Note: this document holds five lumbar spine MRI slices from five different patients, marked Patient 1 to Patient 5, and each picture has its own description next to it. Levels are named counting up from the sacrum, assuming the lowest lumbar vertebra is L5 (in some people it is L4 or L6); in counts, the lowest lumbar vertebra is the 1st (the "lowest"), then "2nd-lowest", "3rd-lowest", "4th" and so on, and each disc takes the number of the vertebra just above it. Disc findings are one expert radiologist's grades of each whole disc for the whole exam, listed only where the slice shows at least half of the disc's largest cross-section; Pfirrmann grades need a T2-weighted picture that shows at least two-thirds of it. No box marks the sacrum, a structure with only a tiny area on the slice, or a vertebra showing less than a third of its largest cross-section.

Patient 1 of 5:
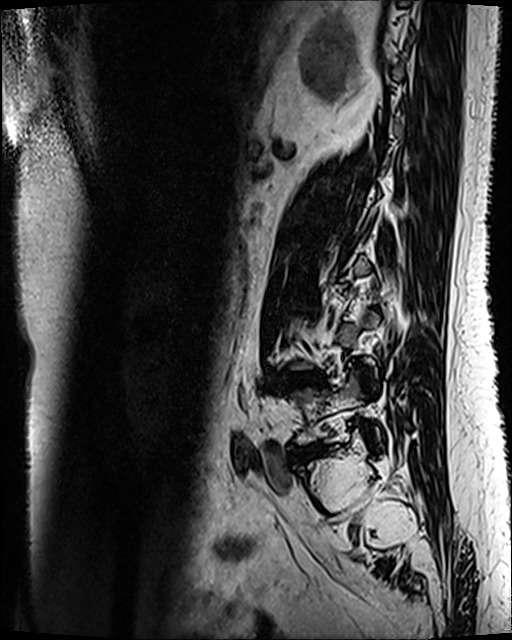 Field of view 240x300 mm, Lumbar spine MR, T2 SPACE (3D), sagittal, 512x640 px, Sagittal slice index 34

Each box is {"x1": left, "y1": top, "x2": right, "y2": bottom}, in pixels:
L5 at {"x1": 296, "y1": 374, "x2": 380, "y2": 443}, L4/L5 at {"x1": 280, "y1": 372, "x2": 321, "y2": 387}, IVD L5/S1 at {"x1": 296, "y1": 444, "x2": 329, "y2": 457}.

Patient 2 of 5:
384x384 px | Lumbar spine MR, T1-weighted, sagittal | Scanner: SIEMENS SymphonyTim (1.5T) | Sagittal slice index 5

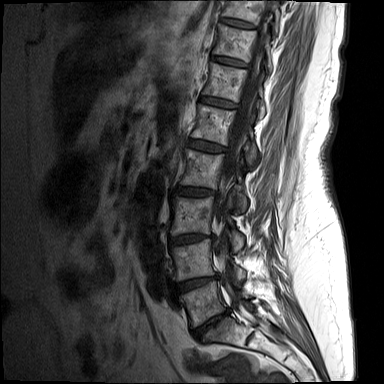

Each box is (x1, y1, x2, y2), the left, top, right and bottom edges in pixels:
Lowest vertebra at (179, 281, 250, 327), 6th disc at (201, 96, 235, 108), 7th vertebra at (213, 24, 272, 71), 4th vertebra at (180, 149, 246, 212), 2nd-lowest vertebra at (171, 235, 246, 281), 3rd-lowest vertebra at (170, 196, 244, 251), 5th vertebra at (192, 104, 256, 162), 8th vertebra at (223, 0, 280, 35), 6th vertebra at (204, 63, 265, 118), 4th disc at (175, 186, 216, 196), 7th disc at (212, 56, 246, 67), 3rd-lowest disc at (169, 233, 205, 245), thecal sac / spinal canal at (215, 12, 268, 309), 8th disc at (221, 18, 254, 28), 2nd-lowest disc at (177, 275, 217, 292), 5th disc at (188, 140, 226, 151), lowest disc at (192, 308, 230, 338).

Degenerative findings by level:
  5th disc: Modic type II
  4th disc: Modic type II, disc bulging
  lowest disc: disc narrowing, disc bulging, Modic type II
  3rd-lowest disc: disc narrowing, disc bulging
  2nd-lowest disc: disc bulging, disc narrowing
  8th disc, 6th disc, 7th disc: no spondylolisthesis, narrowing, bulging, herniation, Modic or endplate change recorded

Patient 3 of 5:
Patient sex: F; Image 384x384; T2-weighted sagittal MRI of the lumbar spine

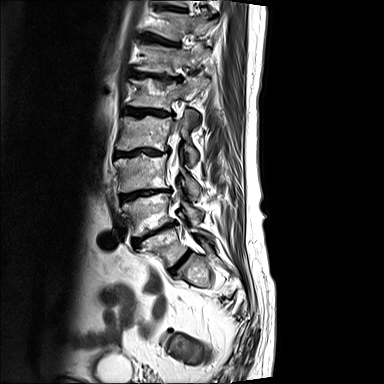

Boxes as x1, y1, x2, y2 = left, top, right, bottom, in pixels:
IVD L4/L5 at 133, 224, 172, 245; T11 vertebra at 152, 11, 214, 40; L1 at 130, 78, 208, 110; spinal canal at 168, 125, 179, 179; L3 vertebra at 115, 154, 200, 198; IVD T10/T11 at 164, 5, 184, 11; T11/T12 at 143, 34, 177, 46; L5 vertebra at 143, 224, 213, 265; L2 at 117, 110, 198, 165; T12 vertebra at 137, 44, 209, 74; IVD L3/L4 at 121, 189, 170, 201; L2/L3 at 114, 147, 168, 157; L4 vertebra at 123, 187, 203, 236; IVD L5/S1 at 171, 252, 189, 270; L1/L2 at 125, 107, 169, 116; T12/L1 at 134, 72, 177, 80.

Expert MSK radiologist gradings (per disc):
  L1/L2: Pfirrmann grade 5, disc bulging, Modic type II, upper-endplate change, lower-endplate change, disc narrowing
  L2/L3: Pfirrmann grade 5, upper-endplate change, disc narrowing, lower-endplate change, Modic type II, disc bulging
  L3/L4: Pfirrmann grade 5, Modic type II, disc bulging, disc narrowing, lower-endplate change, upper-endplate change
  L4/L5: disc narrowing, lower-endplate change, upper-endplate change, Modic type II, disc bulging
  T11/T12: lower-endplate change, Modic type II, upper-endplate change, disc bulging
  T12/L1: lower-endplate change, disc narrowing, disc bulging, Modic type II, upper-endplate change

Patient 4 of 5:
T1-weighted sagittal MRI of the lumbar spine; Field of view 260x263 mm, slice spacing 4.7 mm
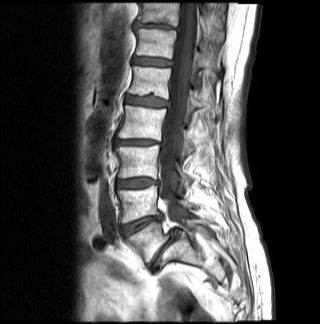

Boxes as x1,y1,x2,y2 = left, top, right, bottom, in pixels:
Annotations:
• L5 vertebra at 126,219,204,261
• IVD T12/L1 at 133,57,171,65
• L2 at 117,105,194,152
• T11 vertebra at 137,3,223,38
• L2/L3 at 115,139,163,146
• L3/L4 at 117,178,157,187
• L1/L2 at 126,96,168,106
• thecal sac / spinal canal at 160,3,197,219
• L1 vertebra at 129,66,200,108
• IVD L4/L5 at 121,215,162,235
• T12 at 135,28,204,67
• L3 vertebra at 115,145,190,187
• L4 at 118,185,196,223
• T11/T12 at 134,22,174,29
• L5/S1 at 149,228,179,269

Expert MSK radiologist gradings (per disc):
- L5/S1: lower-endplate change, disc bulging, disc herniation, upper-endplate change, spondylolisthesis, disc narrowing, Modic type II
- T11/T12: disc narrowing, disc bulging
- L1/L2: disc bulging, lower-endplate change
- L3/L4: disc bulging
- L4/L5: Modic type II, disc narrowing
- L2/L3: disc narrowing, disc bulging, Modic type II
- T12/L1: no herniation, bulging, narrowing, spondylolisthesis, endplate or Modic change recorded

Patient 5 of 5:
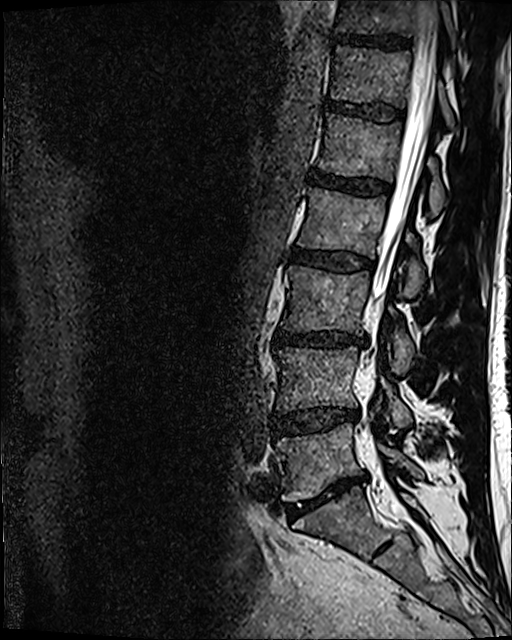
Lumbar spine MR, T2 SPACE (3D), sagittal; Patient sex: M

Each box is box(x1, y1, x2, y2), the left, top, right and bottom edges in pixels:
Disc T12/L1 at box(327, 102, 404, 121).
T11/T12 at box(331, 34, 409, 50).
Disc L4/L5 at box(273, 407, 359, 433).
T12 vertebra at box(331, 46, 454, 127).
L1/L2 at box(308, 170, 390, 195).
L2 vertebra at box(298, 188, 424, 297).
L1 at box(318, 113, 444, 215).
L3/L4 at box(274, 331, 365, 346).
Thecal sac / spinal canal at box(366, 1, 437, 382).
Disc L2/L3 at box(293, 248, 374, 271).
L5 at box(276, 424, 423, 501).
L3 vertebra at box(282, 265, 414, 374).
L5/S1 at box(287, 475, 364, 518).
L4 vertebra at box(275, 347, 410, 427).
T11 at box(335, 0, 457, 52).

Degenerative findings by level:
- L2/L3: Pfirrmann grade 3, disc bulging
- L3/L4: Pfirrmann grade 4, lower-endplate change, disc narrowing, disc bulging
- L5/S1: Pfirrmann grade 5, disc narrowing, disc bulging, Modic type II
- T12/L1: Pfirrmann grade 3
- T11/T12: Pfirrmann grade 4
- L1/L2: Pfirrmann grade 4
- L4/L5: Pfirrmann grade 3, disc narrowing, disc bulging